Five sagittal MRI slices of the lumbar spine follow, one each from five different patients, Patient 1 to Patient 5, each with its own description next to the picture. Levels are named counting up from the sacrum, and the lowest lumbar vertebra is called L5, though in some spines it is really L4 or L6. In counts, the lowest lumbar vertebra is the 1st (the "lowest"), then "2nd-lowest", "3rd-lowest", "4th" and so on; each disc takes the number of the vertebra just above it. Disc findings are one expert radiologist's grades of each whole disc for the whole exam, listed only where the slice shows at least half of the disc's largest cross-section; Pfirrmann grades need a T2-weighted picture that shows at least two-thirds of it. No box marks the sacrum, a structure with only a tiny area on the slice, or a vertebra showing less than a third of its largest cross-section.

Patient 1 of 5:
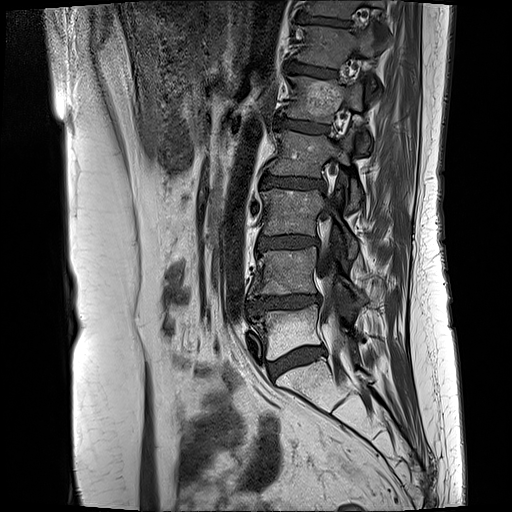 Slice 7 of 17. Lumbar spine MR, T1-weighted, sagittal. Field of view 300x300 mm, slice spacing 3.3 mm.
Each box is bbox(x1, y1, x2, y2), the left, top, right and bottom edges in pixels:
L4 (2nd-lowest vertebra) at bbox(248, 246, 365, 303); intervertebral disc L5/S1 (lowest disc) at bbox(269, 346, 325, 378); L3 (3rd-lowest vertebra) at bbox(262, 189, 358, 257); L4/L5 (2nd-lowest disc) at bbox(245, 294, 320, 315); L2 (4th vertebra) at bbox(270, 130, 362, 208); T12/L1 (6th disc) at bbox(287, 62, 337, 77); intervertebral disc T11/T12 (7th disc) at bbox(298, 14, 350, 26); intervertebral disc L3/L4 (3rd-lowest disc) at bbox(257, 236, 318, 249); intervertebral disc L1/L2 (5th disc) at bbox(278, 118, 328, 133); thecal sac / spinal canal at bbox(318, 209, 348, 352); T11 (7th vertebra) at bbox(306, 0, 383, 17); L1 (5th vertebra) at bbox(282, 75, 370, 152); L2/L3 (4th disc) at bbox(261, 174, 325, 188); T12 (6th vertebra) at bbox(295, 26, 378, 89); L5 (lowest vertebra) at bbox(253, 304, 362, 358).

Expert MSK radiologist gradings (per disc):
- L4/L5 (2nd-lowest disc): disc bulging, disc narrowing, lower-endplate change, Modic type II, upper-endplate change
- L3/L4 (3rd-lowest disc): disc bulging, Modic type II
- L2/L3 (4th disc): disc bulging, Modic type II
- T12/L1 (6th disc): Modic type II
- T11/T12 (7th disc): lower-endplate change, Modic type II, upper-endplate change
- L1/L2 (5th disc): Modic type II
- L5/S1 (lowest disc): Modic type II, disc bulging

Patient 2 of 5:
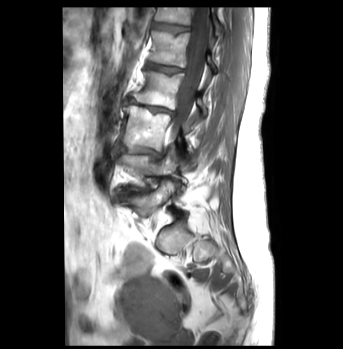 Slice 18/43 | MRI lumbar spine (T1-weighted), sagittal plane
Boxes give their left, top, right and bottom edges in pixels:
Disc L4/L5 at left=118, top=187, right=148, bottom=198.
L4 vertebra at left=120, top=151, right=185, bottom=190.
T12/L1 at left=152, top=22, right=189, bottom=32.
L2/L3 at left=123, top=97, right=173, bottom=113.
L1 vertebra at left=149, top=30, right=215, bottom=70.
L1/L2 at left=146, top=62, right=184, bottom=73.
T12 vertebra at left=154, top=6, right=222, bottom=35.
Thecal sac / spinal canal at left=171, top=7, right=208, bottom=139.
L3 vertebra at left=121, top=106, right=182, bottom=150.
L2 at left=134, top=70, right=206, bottom=116.
Disc L3/L4 at left=114, top=143, right=159, bottom=157.
L5 vertebra at left=122, top=181, right=175, bottom=216.

Expert MSK radiologist gradings (per disc):
- L3/L4: Modic type II, disc bulging
- L1/L2: upper-endplate change
- T12/L1: upper-endplate change
- L2/L3: lower-endplate change, disc narrowing, Modic type II, disc bulging

Patient 3 of 5:
Sagittal T1-weighted lumbar spine MRI. Sex F. 320x320 px.
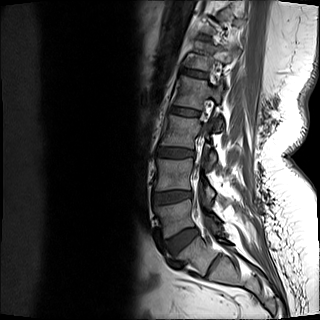

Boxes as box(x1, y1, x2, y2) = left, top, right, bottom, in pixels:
Thecal sac / spinal canal at box(194, 153, 202, 219); intervertebral disc L4/L5 at box(153, 190, 192, 203); intervertebral disc L2/L3 at box(171, 107, 199, 115); L4 at box(155, 158, 214, 198); L5 vertebra at box(154, 199, 219, 237); L3/L4 at box(158, 148, 194, 157); intervertebral disc L1/L2 at box(182, 69, 207, 77); L2 at box(175, 75, 223, 132); L5/S1 at box(164, 228, 198, 252); L1 at box(186, 42, 236, 70); L3 vertebra at box(160, 114, 216, 165).

Expert MSK radiologist gradings (per disc):
- L3/L4: lower-endplate change
- L4/L5: disc bulging, disc narrowing, Modic type II
- L1/L2, L5/S1, L2/L3: no spondylolisthesis, narrowing, bulging, herniation, Modic or endplate change recorded

Patient 4 of 5:
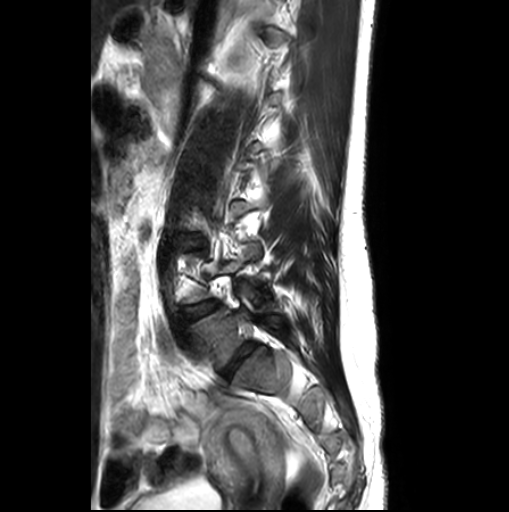

Slice 7 of 26 | 509x512 px | MRI lumbar spine (T2-weighted), sagittal plane | Sex F

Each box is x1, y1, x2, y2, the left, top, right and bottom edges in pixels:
- 2nd-lowest disc: 183, 300, 217, 321
- lowest disc: 223, 342, 257, 376
- lowest vertebra: 193, 306, 287, 368

Patient 5 of 5:
Image 448x452; MRI lumbar spine (T2-weighted), sagittal plane; Sex F

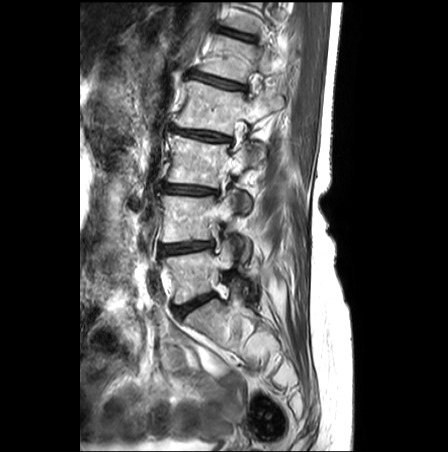 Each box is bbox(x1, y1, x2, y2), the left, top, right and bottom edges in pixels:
{"L4": "bbox(159, 191, 253, 261)", "L4/L5": "bbox(160, 242, 211, 253)", "L5/S1": "bbox(174, 293, 214, 317)", "L1/L2": "bbox(190, 71, 244, 89)", "L5": "bbox(163, 239, 256, 304)", "L2": "bbox(175, 80, 283, 164)", "L1 vertebra": "bbox(201, 35, 285, 82)", "L3": "bbox(168, 136, 251, 213)", "IVD L2/L3": "bbox(174, 128, 229, 141)", "T12/L1": "bbox(224, 31, 252, 39)", "L3/L4": "bbox(162, 183, 216, 194)"}

Degenerative findings by level:
• L3/L4: Pfirrmann grade 3, disc bulging, disc narrowing, Modic type II, lower-endplate change, upper-endplate change
• L1/L2: Pfirrmann grade 3, lower-endplate change, disc bulging, upper-endplate change
• L2/L3: Pfirrmann grade 3, disc bulging, disc narrowing, upper-endplate change, Modic type II, lower-endplate change
• L4/L5: Pfirrmann grade 3, lower-endplate change, upper-endplate change, Modic type II, disc bulging, disc narrowing